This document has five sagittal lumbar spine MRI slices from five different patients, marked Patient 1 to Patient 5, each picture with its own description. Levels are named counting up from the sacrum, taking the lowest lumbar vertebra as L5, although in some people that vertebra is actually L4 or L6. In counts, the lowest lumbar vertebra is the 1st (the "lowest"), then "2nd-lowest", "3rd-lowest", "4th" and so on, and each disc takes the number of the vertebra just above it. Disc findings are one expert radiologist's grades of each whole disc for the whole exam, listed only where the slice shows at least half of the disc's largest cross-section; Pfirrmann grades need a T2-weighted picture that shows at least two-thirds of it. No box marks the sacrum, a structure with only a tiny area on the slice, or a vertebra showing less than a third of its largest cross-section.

Patient 1 of 5:
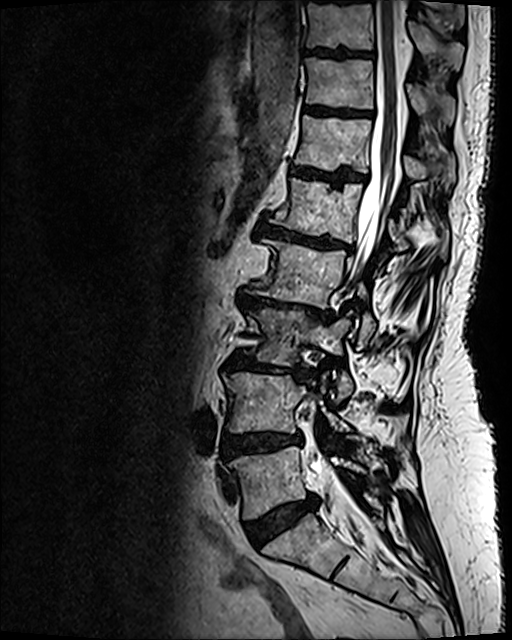

Sagittal slice index 49. Slice spacing 0.9 mm. T2 SPACE (3D) sagittal MRI of the lumbar spine. Image 512x640.

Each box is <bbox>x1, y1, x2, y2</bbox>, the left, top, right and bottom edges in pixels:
3rd-lowest vertebra at <bbox>251, 308, 352, 398</bbox>, 2nd-lowest vertebra at <bbox>224, 372, 348, 433</bbox>, 5th disc at <bbox>260, 224, 349, 249</bbox>, thecal sac / spinal canal at <bbox>310, 0, 399, 539</bbox>, 8th vertebra at <bbox>307, 0, 462, 66</bbox>, 6th disc at <bbox>292, 169, 364, 185</bbox>, 6th vertebra at <bbox>295, 115, 454, 192</bbox>, 8th disc at <bbox>307, 49, 371, 56</bbox>, 7th vertebra at <bbox>305, 58, 454, 123</bbox>, lowest vertebra at <bbox>229, 446, 386, 519</bbox>, 3rd-lowest disc at <bbox>227, 353, 305, 377</bbox>, 2nd-lowest disc at <bbox>222, 433, 301, 458</bbox>, 5th vertebra at <bbox>272, 178, 448, 251</bbox>, 4th vertebra at <bbox>262, 239, 375, 346</bbox>, lowest disc at <bbox>246, 495, 317, 544</bbox>, 7th disc at <bbox>306, 107, 372, 116</bbox>, 4th disc at <bbox>238, 292, 333, 322</bbox>.

Per-level radiological findings:
• 8th disc: Pfirrmann grade 4, lower-endplate change, upper-endplate change
• 7th disc: Pfirrmann grade 4, lower-endplate change, upper-endplate change
• 6th disc: Pfirrmann grade 4, upper-endplate change, lower-endplate change, Modic type II
• 2nd-lowest disc: Pfirrmann grade 4, disc bulging, upper-endplate change, lower-endplate change
• 4th disc: Pfirrmann grade 5, lower-endplate change, Modic type II, upper-endplate change, disc bulging, disc narrowing
• 3rd-lowest disc: lower-endplate change, disc narrowing, Modic type II, upper-endplate change, disc bulging
• 5th disc: Pfirrmann grade 5, disc bulging, Modic type II, disc narrowing, upper-endplate change, lower-endplate change
• lowest disc: Pfirrmann grade 4, disc bulging

Patient 2 of 5:
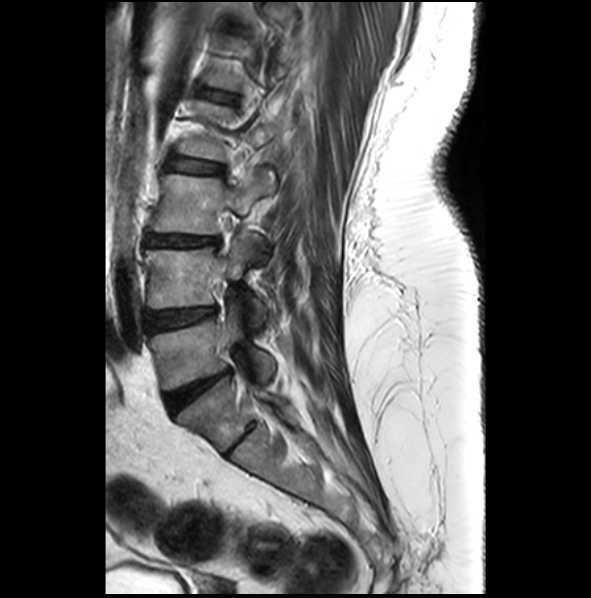
MRI lumbar spine (T2-weighted), sagittal plane, Image 591x598

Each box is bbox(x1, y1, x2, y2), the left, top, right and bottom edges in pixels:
L3/L4 (3rd-lowest disc) = bbox(145, 234, 221, 245) | intervertebral disc L1/L2 (5th disc) = bbox(198, 88, 231, 102) | L5 (lowest vertebra) = bbox(150, 307, 274, 391) | L4/L5 (2nd-lowest disc) = bbox(145, 307, 218, 331) | L3 (3rd-lowest vertebra) = bbox(152, 170, 275, 235) | L4 (2nd-lowest vertebra) = bbox(145, 237, 267, 327) | L2/L3 (4th disc) = bbox(166, 157, 222, 173) | L5/S1 (lowest disc) = bbox(166, 369, 230, 413) | L2 (4th vertebra) = bbox(177, 100, 291, 160)

Expert MSK radiologist gradings (per disc):
• L3/L4 (3rd-lowest disc): Pfirrmann grade 3, upper-endplate change, disc bulging, disc narrowing, Modic type II, lower-endplate change
• L4/L5 (2nd-lowest disc): Pfirrmann grade 3, disc bulging
• L2/L3 (4th disc): Pfirrmann grade 2
• L5/S1 (lowest disc): Pfirrmann grade 4, lower-endplate change, upper-endplate change, disc bulging

Patient 3 of 5:
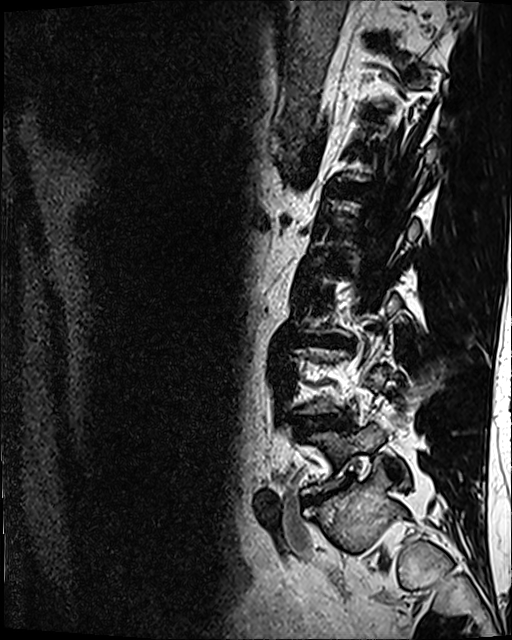 MRI lumbar spine (T2 SPACE (3D)), sagittal plane; 512x640 px
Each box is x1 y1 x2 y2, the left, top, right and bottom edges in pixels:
L4/L5 — 296 415 344 430 | T11/T12 — 368 38 387 44 | disc L5/S1 — 305 488 339 503 | L3/L4 — 301 336 351 347

Patient 4 of 5:
Sex M. Sagittal T1-weighted lumbar spine MRI. 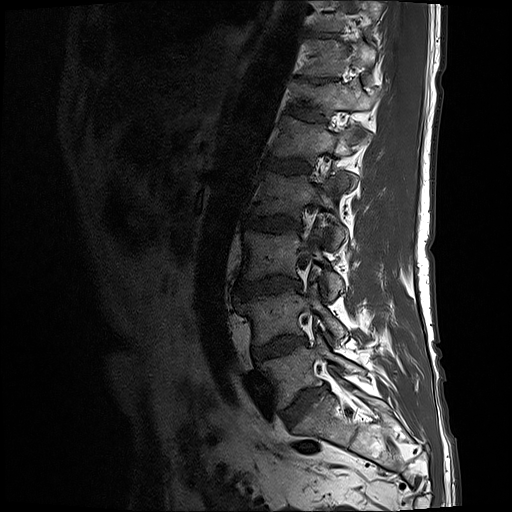

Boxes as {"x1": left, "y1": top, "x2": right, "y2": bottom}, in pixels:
Structures:
• IVD L1/L2: {"x1": 265, "y1": 155, "x2": 310, "y2": 174}
• IVD T11/T12: {"x1": 298, "y1": 78, "x2": 327, "y2": 83}
• L5/S1: {"x1": 281, "y1": 387, "x2": 319, "y2": 425}
• T11 vertebra: {"x1": 300, "y1": 39, "x2": 375, "y2": 89}
• T12 vertebra: {"x1": 290, "y1": 81, "x2": 371, "y2": 132}
• L3: {"x1": 242, "y1": 230, "x2": 344, "y2": 299}
• L2: {"x1": 255, "y1": 170, "x2": 345, "y2": 247}
• L5 vertebra: {"x1": 258, "y1": 335, "x2": 361, "y2": 408}
• T10/T11: {"x1": 308, "y1": 32, "x2": 339, "y2": 37}
• L1: {"x1": 272, "y1": 116, "x2": 354, "y2": 165}
• T10 vertebra: {"x1": 309, "y1": 0, "x2": 381, "y2": 30}
• L2/L3: {"x1": 246, "y1": 215, "x2": 301, "y2": 231}
• L4 vertebra: {"x1": 237, "y1": 287, "x2": 346, "y2": 344}
• L4/L5: {"x1": 250, "y1": 335, "x2": 306, "y2": 360}
• L3/L4: {"x1": 238, "y1": 277, "x2": 300, "y2": 298}
• T12/L1: {"x1": 283, "y1": 105, "x2": 323, "y2": 119}
• spinal canal: {"x1": 300, "y1": 182, "x2": 320, "y2": 319}

Expert MSK radiologist gradings (per disc):
- L2/L3: Modic type II, disc bulging
- L4/L5: Modic type II, disc bulging
- L5/S1: disc narrowing, disc bulging
- L3/L4: disc bulging, Modic type II, disc narrowing
- L1/L2: no herniation, bulging, narrowing, spondylolisthesis, endplate or Modic change recorded

Patient 5 of 5:
Field of view 240x308 mm, slice spacing 0.9 mm. Image 512x657. Slice 100 of 154. SIEMENS Avanto_fit (1.5T). MRI lumbar spine (T2 SPACE (3D)), sagittal plane.
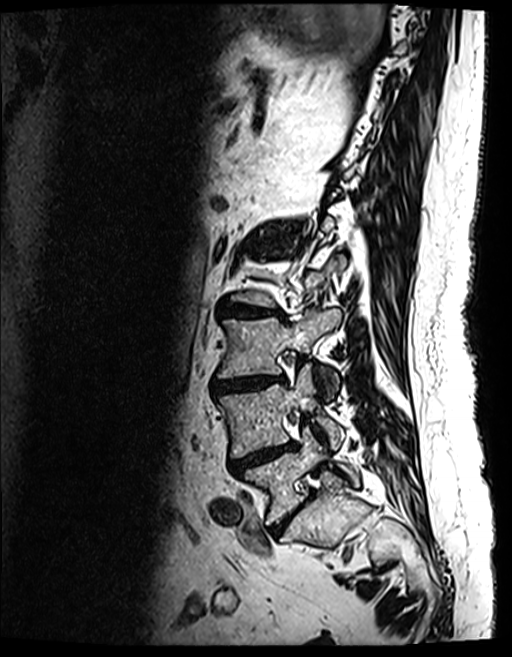

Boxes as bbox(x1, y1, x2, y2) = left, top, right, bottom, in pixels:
{"2nd-lowest disc": "bbox(229, 443, 293, 474)", "2nd-lowest vertebra": "bbox(218, 363, 343, 457)", "3rd-lowest vertebra": "bbox(218, 308, 340, 377)", "4th disc": "bbox(218, 301, 281, 316)", "lowest disc": "bbox(271, 502, 305, 534)", "3rd-lowest disc": "bbox(214, 376, 284, 390)", "lowest vertebra": "bbox(241, 427, 359, 524)"}

Per-level radiological findings:
  4th disc: Pfirrmann grade 4, upper-endplate change, Modic type II, disc narrowing, disc bulging, lower-endplate change
  3rd-lowest disc: Pfirrmann grade 4, lower-endplate change, disc narrowing, disc bulging, upper-endplate change, Modic type II
  2nd-lowest disc: Pfirrmann grade 5, disc bulging, lower-endplate change, disc narrowing, upper-endplate change, Modic type II